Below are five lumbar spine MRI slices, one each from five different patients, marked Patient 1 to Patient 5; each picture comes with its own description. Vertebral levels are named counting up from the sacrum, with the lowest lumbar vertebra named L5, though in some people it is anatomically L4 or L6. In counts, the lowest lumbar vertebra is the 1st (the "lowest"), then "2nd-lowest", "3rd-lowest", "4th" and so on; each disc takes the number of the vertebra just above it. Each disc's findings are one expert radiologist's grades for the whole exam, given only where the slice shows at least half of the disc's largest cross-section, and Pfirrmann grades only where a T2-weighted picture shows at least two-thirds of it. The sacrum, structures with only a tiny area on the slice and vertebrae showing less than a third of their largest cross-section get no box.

Patient 1 of 5:
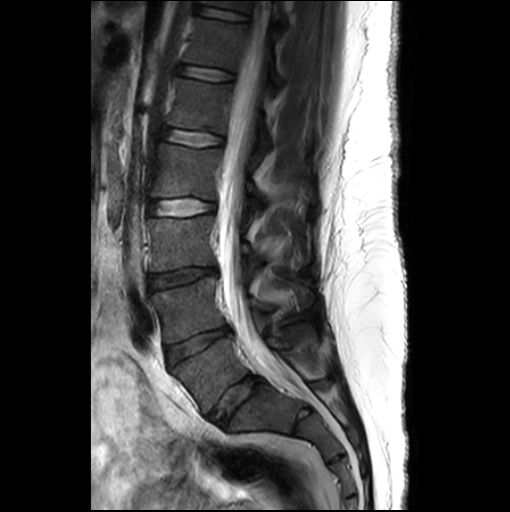

Sagittal slice index 11 | Lumbar spine MR, T2-weighted, sagittal | Field of view 280x281 mm, slice spacing 3.3 mm | 510x512 px
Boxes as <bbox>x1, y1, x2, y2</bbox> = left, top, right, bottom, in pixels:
Structures:
• L1/L2 (5th disc) at <bbox>160, 128, 223, 146</bbox>
• spinal canal at <bbox>217, 30, 284, 372</bbox>
• L1 (5th vertebra) at <bbox>167, 77, 270, 150</bbox>
• L2 (4th vertebra) at <bbox>150, 143, 265, 203</bbox>
• L3/L4 (3rd-lowest disc) at <bbox>148, 267, 216, 291</bbox>
• disc L5/S1 (lowest disc) at <bbox>208, 375, 263, 426</bbox>
• T11 (7th vertebra) at <bbox>202, 0, 288, 21</bbox>
• T12 (6th vertebra) at <bbox>183, 18, 279, 87</bbox>
• L2/L3 (4th disc) at <bbox>148, 198, 214, 216</bbox>
• L5 (lowest vertebra) at <bbox>172, 323, 315, 413</bbox>
• L4/L5 (2nd-lowest disc) at <bbox>166, 326, 230, 364</bbox>
• L4 (2nd-lowest vertebra) at <bbox>150, 277, 295, 342</bbox>
• disc T12/L1 (6th disc) at <bbox>176, 64, 233, 81</bbox>
• T11/T12 (7th disc) at <bbox>196, 5, 247, 21</bbox>
• L3 (3rd-lowest vertebra) at <bbox>147, 216, 263, 271</bbox>

Expert MSK radiologist gradings (per disc):
- L4/L5 (2nd-lowest disc): Pfirrmann grade 3, disc bulging, disc narrowing
- L2/L3 (4th disc): Pfirrmann grade 1
- L1/L2 (5th disc): Pfirrmann grade 1
- L3/L4 (3rd-lowest disc): Pfirrmann grade 3, disc narrowing, disc bulging
- L5/S1 (lowest disc): Pfirrmann grade 3, disc bulging
- T12/L1 (6th disc): Pfirrmann grade 1
- T11/T12 (7th disc): Pfirrmann grade 1

Patient 2 of 5:
Sagittal T2-weighted lumbar spine MRI, Field of view 300x300 mm, Patient sex: M

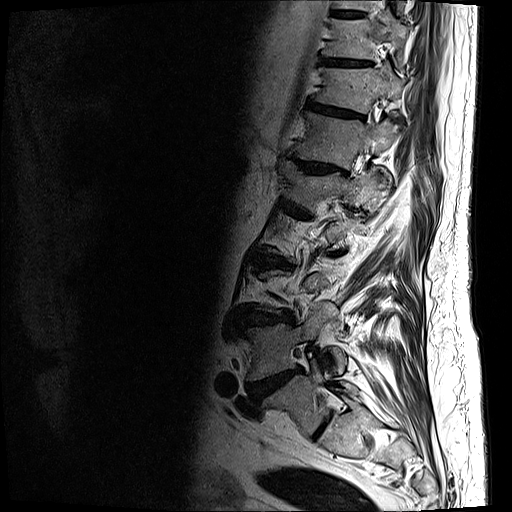

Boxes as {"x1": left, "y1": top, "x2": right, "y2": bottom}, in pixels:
T10 vertebra: {"x1": 322, "y1": 14, "x2": 408, "y2": 62} | T11: {"x1": 312, "y1": 64, "x2": 402, "y2": 113} | intervertebral disc L5/S1: {"x1": 312, "y1": 416, "x2": 330, "y2": 438} | L4/L5: {"x1": 248, "y1": 368, "x2": 302, "y2": 400} | L1 vertebra: {"x1": 280, "y1": 158, "x2": 383, "y2": 210} | L3/L4: {"x1": 236, "y1": 306, "x2": 295, "y2": 325} | T9/T10: {"x1": 331, "y1": 10, "x2": 365, "y2": 18} | intervertebral disc T12/L1: {"x1": 285, "y1": 152, "x2": 347, "y2": 174} | intervertebral disc T11/T12: {"x1": 308, "y1": 101, "x2": 364, "y2": 118} | L5 vertebra: {"x1": 263, "y1": 359, "x2": 357, "y2": 436} | T12 vertebra: {"x1": 291, "y1": 111, "x2": 397, "y2": 185} | intervertebral disc T10/T11: {"x1": 319, "y1": 57, "x2": 371, "y2": 66} | intervertebral disc L2/L3: {"x1": 247, "y1": 251, "x2": 289, "y2": 267} | L4 vertebra: {"x1": 247, "y1": 302, "x2": 346, "y2": 381}

Expert MSK radiologist gradings (per disc):
  L3/L4: Pfirrmann grade 4, disc bulging, lower-endplate change, disc narrowing, upper-endplate change
  T11/T12: lower-endplate change, upper-endplate change, disc bulging, disc narrowing
  L4/L5: Pfirrmann grade 5, upper-endplate change, disc narrowing, disc bulging, Modic type II, lower-endplate change, disc herniation
  T10/T11: disc bulging, upper-endplate change, lower-endplate change
  T9/T10: lower-endplate change
  T12/L1: disc bulging, lower-endplate change, upper-endplate change, disc narrowing

Patient 3 of 5:
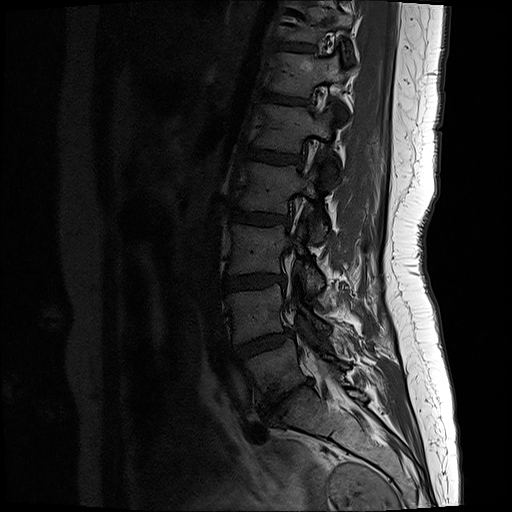

512x512 px | Slice 13 of 17 | Sagittal T1-weighted lumbar spine MRI | Patient sex: F

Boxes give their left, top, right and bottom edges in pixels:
Structures:
- L3 (3rd-lowest vertebra) at left=231, top=225, right=322, bottom=294
- L4 (2nd-lowest vertebra) at left=229, top=284, right=327, bottom=341
- disc T11/T12 (7th disc) at left=275, top=41, right=314, bottom=49
- T12/L1 (6th disc) at left=262, top=91, right=306, bottom=103
- L2 (4th vertebra) at left=240, top=163, right=326, bottom=239
- L5 (lowest vertebra) at left=247, top=339, right=348, bottom=404
- L3/L4 (3rd-lowest disc) at left=224, top=275, right=285, bottom=290
- L5/S1 (lowest disc) at left=261, top=379, right=311, bottom=415
- T11 (7th vertebra) at left=287, top=7, right=352, bottom=41
- T12 (6th vertebra) at left=271, top=53, right=346, bottom=96
- L1 (5th vertebra) at left=255, top=105, right=330, bottom=151
- disc L2/L3 (4th disc) at left=233, top=208, right=288, bottom=225
- L4/L5 (2nd-lowest disc) at left=234, top=330, right=290, bottom=357
- L1/L2 (5th disc) at left=245, top=147, right=301, bottom=165

Degenerative findings by level:
  L3/L4 (3rd-lowest disc): disc bulging
  L4/L5 (2nd-lowest disc): disc bulging
  L1/L2 (5th disc), L2/L3 (4th disc), T12/L1 (6th disc), T11/T12 (7th disc): no Modic or endplate change, herniation, narrowing, bulging or spondylolisthesis recorded

Patient 4 of 5:
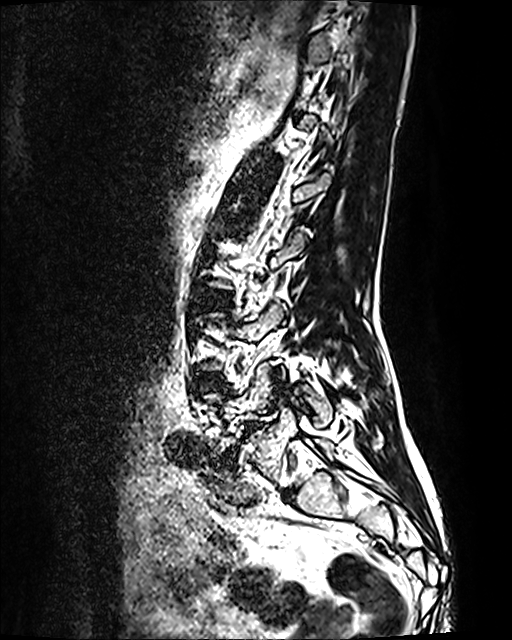
Sex F, Field of view 240x300 mm, MRI lumbar spine (T2 SPACE (3D)), sagittal plane, Slice 83/120, 512x640 px

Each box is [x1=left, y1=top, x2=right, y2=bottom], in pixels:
{"intervertebral disc L3/L4": "[x1=197, y1=291, x2=217, y2=305]", "L5": "[x1=208, y1=363, x2=332, y2=455]", "L4/L5": "[x1=194, y1=377, x2=215, y2=389]", "intervertebral disc L5/S1": "[x1=216, y1=423, x2=258, y2=468]"}

Patient 5 of 5:
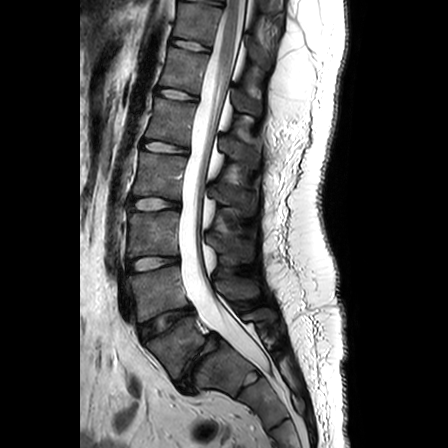

Sagittal slice index 12. MRI lumbar spine (T2-weighted), sagittal plane.
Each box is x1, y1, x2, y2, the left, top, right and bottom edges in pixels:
L1/L2 = 145, 141, 187, 154.
Intervertebral disc L4/L5 = 139, 306, 193, 340.
L3/L4 = 128, 256, 178, 272.
T12/L1 = 157, 88, 197, 100.
Spinal canal = 179, 0, 269, 369.
T11 vertebra = 174, 3, 269, 67.
L3 = 127, 211, 252, 262.
L4 = 129, 266, 258, 321.
L5 vertebra = 146, 309, 275, 379.
Intervertebral disc T11/T12 = 172, 38, 208, 51.
L1 = 146, 98, 259, 167.
L5/S1 = 177, 334, 220, 389.
L2/L3 = 127, 197, 179, 209.
T12 = 160, 47, 261, 114.
L2 vertebra = 133, 152, 255, 214.

Per-level radiological findings:
• L1/L2: Pfirrmann grade 1
• L4/L5: Pfirrmann grade 1, disc bulging
• T12/L1: Pfirrmann grade 1
• T11/T12: Pfirrmann grade 1
• L2/L3: Pfirrmann grade 4
• L5/S1: Pfirrmann grade 1, lower-endplate change, disc bulging, disc narrowing, spondylolisthesis
• L3/L4: Pfirrmann grade 3